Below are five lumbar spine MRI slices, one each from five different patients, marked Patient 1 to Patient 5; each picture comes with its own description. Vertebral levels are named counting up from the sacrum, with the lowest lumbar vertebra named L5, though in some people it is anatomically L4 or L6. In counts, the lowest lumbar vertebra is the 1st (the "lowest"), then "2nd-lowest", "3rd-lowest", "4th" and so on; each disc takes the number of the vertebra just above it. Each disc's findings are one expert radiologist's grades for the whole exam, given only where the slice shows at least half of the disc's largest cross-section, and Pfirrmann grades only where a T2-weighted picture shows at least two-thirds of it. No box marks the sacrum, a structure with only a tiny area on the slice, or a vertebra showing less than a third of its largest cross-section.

Patient 1 of 5:
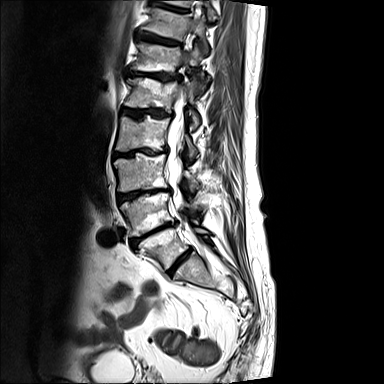 Patient sex: F; T2-weighted sagittal MRI of the lumbar spine
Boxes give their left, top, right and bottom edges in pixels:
{"T10/T11": "left=149, top=1, right=188, bottom=12", "L2": "left=115, top=115, right=198, bottom=159", "L3/L4": "left=118, top=189, right=169, bottom=201", "L4/L5": "left=131, top=222, right=176, bottom=249", "thecal sac / spinal canal": "left=166, top=91, right=185, bottom=209", "L4 vertebra": "left=121, top=192, right=203, bottom=236", "intervertebral disc T11/T12": "left=137, top=32, right=179, bottom=45", "T11": "left=142, top=7, right=207, bottom=47", "intervertebral disc L2/L3": "left=113, top=147, right=166, bottom=158", "intervertebral disc L5/S1": "left=167, top=249, right=191, bottom=274", "L5": "left=139, top=227, right=209, bottom=269", "T12": "left=132, top=42, right=207, bottom=74", "T10 vertebra": "left=161, top=0, right=216, bottom=18", "intervertebral disc L1/L2": "left=122, top=108, right=171, bottom=118", "intervertebral disc T12/L1": "left=129, top=71, right=179, bottom=80", "L3 vertebra": "left=114, top=153, right=200, bottom=191", "L1 vertebra": "left=125, top=77, right=205, bottom=128"}

Radiological gradings:
  L4/L5: Pfirrmann grade 5, lower-endplate change, upper-endplate change, disc narrowing, Modic type II, disc bulging
  L5/S1: Modic type II, disc narrowing, lower-endplate change, upper-endplate change, disc bulging
  L1/L2: Pfirrmann grade 5, Modic type II, disc bulging, upper-endplate change, disc narrowing, lower-endplate change
  T12/L1: Pfirrmann grade 5, disc bulging, upper-endplate change, Modic type II, lower-endplate change, disc narrowing
  L2/L3: Pfirrmann grade 5, disc bulging, Modic type II, upper-endplate change, lower-endplate change, disc narrowing
  T10/T11: Pfirrmann grade 4, disc bulging
  T11/T12: Pfirrmann grade 4, Modic type II, disc bulging, upper-endplate change, lower-endplate change
  L3/L4: Pfirrmann grade 5, lower-endplate change, disc narrowing, Modic type II, disc bulging, upper-endplate change

Patient 2 of 5:
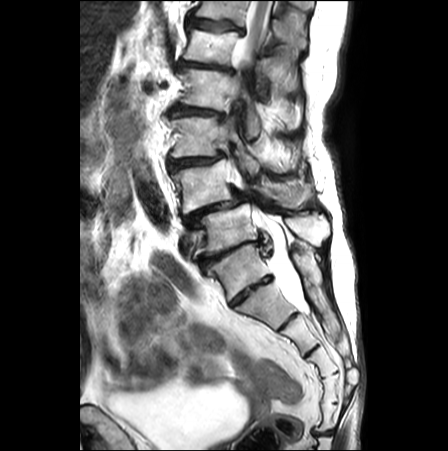
Lumbar spine MR, T2-weighted, sagittal, Sagittal slice index 15, 448x451 px

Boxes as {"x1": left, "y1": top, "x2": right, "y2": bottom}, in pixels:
Annotations:
• 6th vertebra at {"x1": 194, "y1": 1, "x2": 307, "y2": 48}
• 2nd-lowest vertebra at {"x1": 171, "y1": 158, "x2": 313, "y2": 213}
• 5th disc at {"x1": 178, "y1": 59, "x2": 234, "y2": 73}
• 3rd-lowest disc at {"x1": 168, "y1": 153, "x2": 223, "y2": 171}
• 3rd-lowest vertebra at {"x1": 171, "y1": 110, "x2": 295, "y2": 176}
• 4th disc at {"x1": 171, "y1": 105, "x2": 225, "y2": 119}
• 4th vertebra at {"x1": 181, "y1": 66, "x2": 260, "y2": 139}
• 2nd-lowest disc at {"x1": 184, "y1": 187, "x2": 248, "y2": 228}
• 6th disc at {"x1": 186, "y1": 13, "x2": 243, "y2": 33}
• 5th vertebra at {"x1": 183, "y1": 29, "x2": 269, "y2": 98}
• thecal sac / spinal canal at {"x1": 232, "y1": 0, "x2": 304, "y2": 307}
• lowest disc at {"x1": 198, "y1": 236, "x2": 262, "y2": 268}
• lowest vertebra at {"x1": 199, "y1": 203, "x2": 329, "y2": 252}

Expert MSK radiologist gradings (per disc):
• 2nd-lowest disc: Pfirrmann grade 5, Modic type II, spondylolisthesis, disc bulging, lower-endplate change, disc narrowing, disc herniation, upper-endplate change
• 5th disc: Pfirrmann grade 5, lower-endplate change, disc narrowing, disc bulging
• 3rd-lowest disc: Pfirrmann grade 4, Modic type II, upper-endplate change, disc narrowing, spondylolisthesis, lower-endplate change, disc bulging
• 4th disc: Pfirrmann grade 4, Modic type II, lower-endplate change, disc bulging, spondylolisthesis, disc narrowing, upper-endplate change
• 6th disc: Pfirrmann grade 4, lower-endplate change, upper-endplate change, disc bulging
• lowest disc: Pfirrmann grade 5, Modic type II, lower-endplate change, disc bulging, upper-endplate change, disc narrowing, disc herniation

Patient 3 of 5:
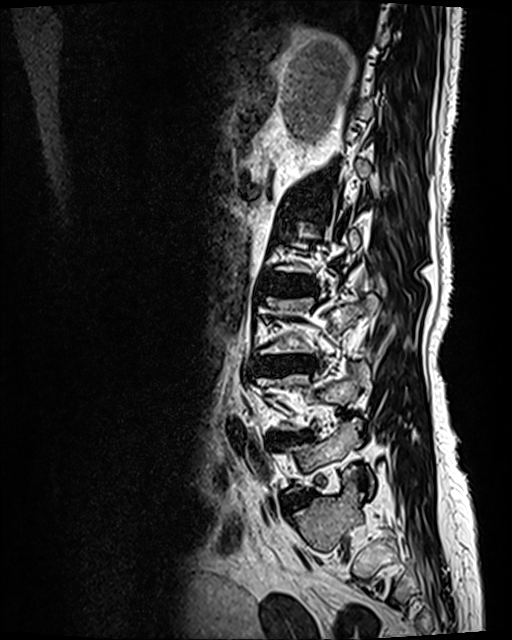 Lumbar spine MR, T2 SPACE (3D), sagittal, Slice 34/120, Image 512x640
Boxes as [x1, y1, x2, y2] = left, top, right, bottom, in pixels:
IVD L4/L5 at [272, 433, 309, 445], L3/L4 at [253, 355, 315, 373], L5/S1 at [288, 493, 306, 504], L2/L3 at [282, 287, 312, 294].

Degenerative findings by level:
- L3/L4: Pfirrmann grade 4, disc bulging, Modic type II, lower-endplate change, upper-endplate change, disc narrowing

Patient 4 of 5:
Sagittal T2-weighted lumbar spine MRI. Image 752x748. Philips Medical Systems Ingenia (1.5T).
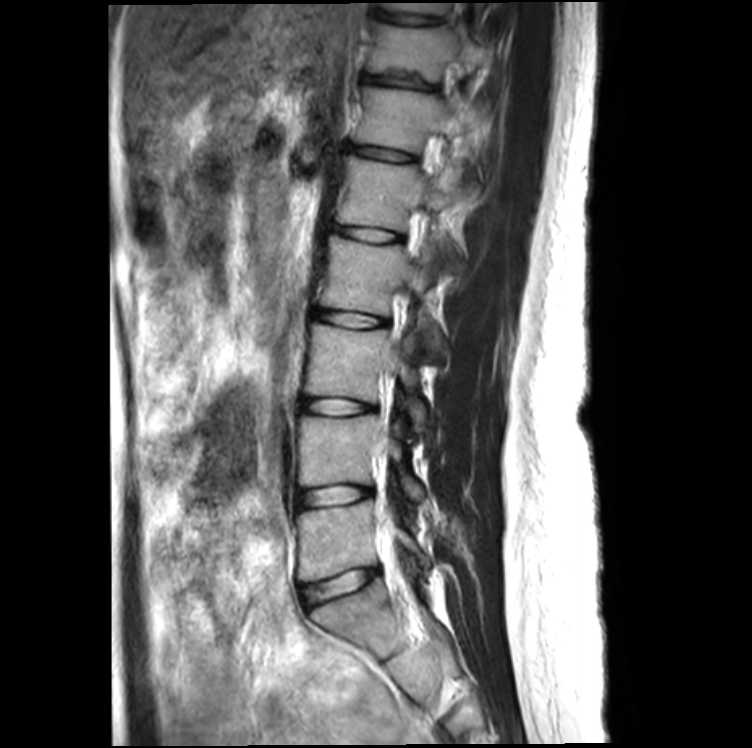
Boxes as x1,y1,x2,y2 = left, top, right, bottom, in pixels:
Structures:
- IVD L2/L3 = 314,308,386,327
- T11 vertebra = 367,22,493,82
- IVD L3/L4 = 301,396,371,415
- L1/L2 = 333,226,399,242
- L3 vertebra = 304,322,428,431
- T12 vertebra = 351,86,473,151
- L4 = 299,414,425,503
- L5/S1 = 303,568,378,608
- L1 = 332,155,465,257
- T11/T12 = 362,75,431,89
- T10 vertebra = 379,3,483,13
- T10/T11 = 375,10,437,24
- L5 = 296,500,429,582
- T12/L1 = 346,144,410,162
- L4/L5 = 298,485,371,507
- L2 = 317,235,446,352

Per-level radiological findings:
- T12/L1: Pfirrmann grade 2
- L5/S1: Pfirrmann grade 2, lower-endplate change
- L3/L4: Pfirrmann grade 2
- T11/T12: Pfirrmann grade 2, disc bulging, lower-endplate change
- L1/L2: Pfirrmann grade 2
- L2/L3: Pfirrmann grade 2
- T10/T11: Pfirrmann grade 2
- L4/L5: Pfirrmann grade 2

Patient 5 of 5:
Slice 24 of 35; Slice spacing 3.4 mm; Lumbar spine MR, T1-weighted, sagittal
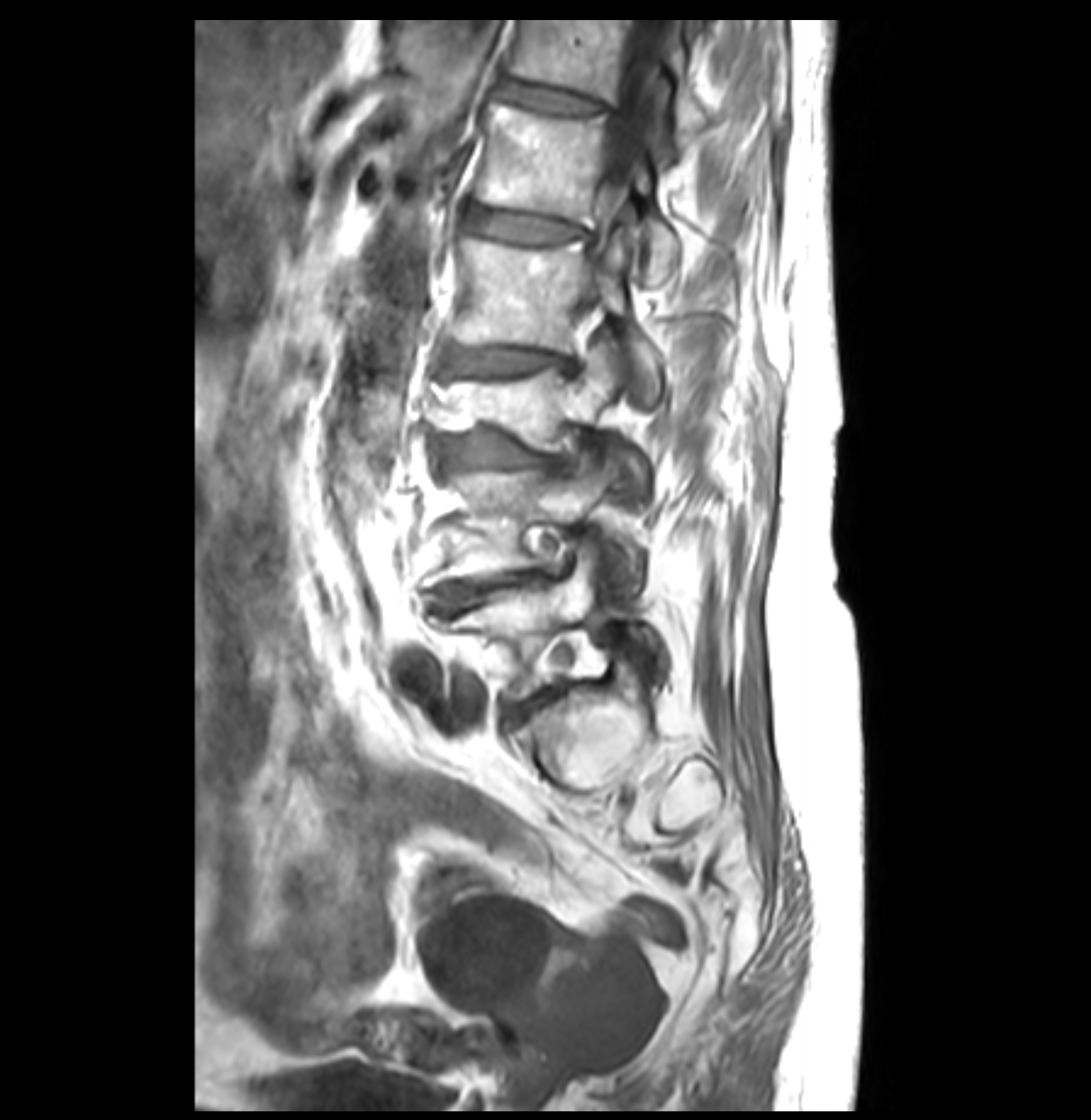 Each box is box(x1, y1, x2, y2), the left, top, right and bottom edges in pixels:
L1 (5th vertebra): box(477, 104, 681, 285)
L4 (2nd-lowest vertebra): box(426, 449, 640, 594)
IVD T12/L1 (6th disc): box(492, 76, 606, 114)
thecal sac / spinal canal: box(602, 20, 664, 203)
L5/S1 (lowest disc): box(507, 690, 555, 718)
L5 (lowest vertebra): box(451, 542, 664, 699)
T12 (6th vertebra): box(509, 18, 710, 148)
L1/L2 (5th disc): box(467, 208, 586, 242)
IVD L2/L3 (4th disc): box(441, 348, 572, 380)
L2 (4th vertebra): box(453, 233, 660, 403)
L3 (3rd-lowest vertebra): box(431, 343, 650, 495)
L4/L5 (2nd-lowest disc): box(431, 571, 545, 612)
L3/L4 (3rd-lowest disc): box(441, 428, 562, 470)

Per-level radiological findings:
• L1/L2 (5th disc): upper-endplate change, lower-endplate change
• L3/L4 (3rd-lowest disc): disc bulging, upper-endplate change, Modic type II, disc narrowing
• L2/L3 (4th disc): disc bulging, Modic type II
• T12/L1 (6th disc): upper-endplate change, disc bulging